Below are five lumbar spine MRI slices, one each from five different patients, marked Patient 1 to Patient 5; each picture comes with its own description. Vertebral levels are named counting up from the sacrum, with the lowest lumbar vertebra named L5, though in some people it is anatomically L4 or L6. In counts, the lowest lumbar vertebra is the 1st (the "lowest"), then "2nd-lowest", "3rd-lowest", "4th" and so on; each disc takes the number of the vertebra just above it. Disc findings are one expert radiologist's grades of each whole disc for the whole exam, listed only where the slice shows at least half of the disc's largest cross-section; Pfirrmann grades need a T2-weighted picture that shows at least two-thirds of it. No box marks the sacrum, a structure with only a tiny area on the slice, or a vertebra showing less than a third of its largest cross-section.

Patient 1 of 5:
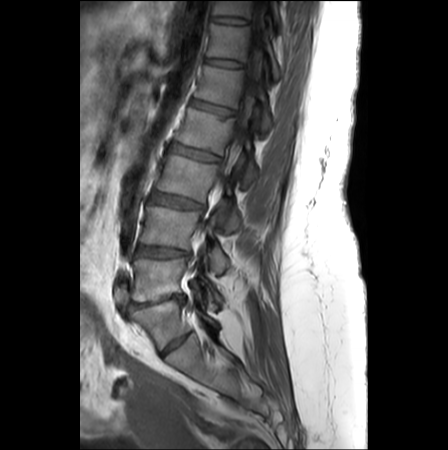

Patient sex: F, Sagittal slice index 16, MRI lumbar spine (T1-weighted), sagittal plane
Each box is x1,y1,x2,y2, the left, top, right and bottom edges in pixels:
7th disc: 212,16,247,23
6th disc: 205,58,242,68
3rd-lowest disc: 150,192,202,208
2nd-lowest disc: 136,245,188,258
lowest disc: 128,294,184,310
4th disc: 168,142,219,162
spinal canal: 215,1,263,192
lowest vertebra: 132,257,222,310
5th vertebra: 194,65,270,131
2nd-lowest vertebra: 140,206,228,273
7th vertebra: 212,1,282,31
5th disc: 191,99,234,116
3rd-lowest vertebra: 156,154,241,230
6th vertebra: 207,24,281,80
4th vertebra: 175,107,255,186

Degenerative findings by level:
• lowest disc: spondylolisthesis, disc bulging, disc narrowing, Modic type II
• 2nd-lowest disc: disc herniation, disc bulging
• 5th disc: lower-endplate change, upper-endplate change
• 3rd-lowest disc: disc bulging, Modic type II
• 4th disc: upper-endplate change, lower-endplate change
• 7th disc, 6th disc: no Modic or endplate change, herniation, narrowing, bulging or spondylolisthesis recorded

Patient 2 of 5:
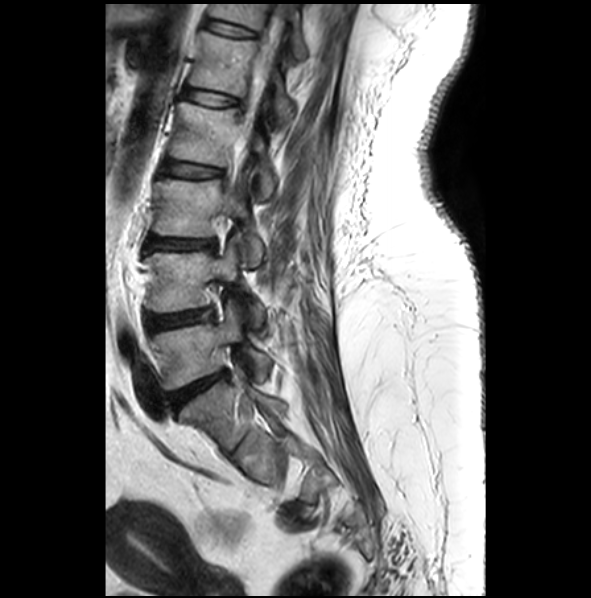 MRI lumbar spine (T2-weighted), sagittal plane | Slice 18 of 28 | Image 591x598
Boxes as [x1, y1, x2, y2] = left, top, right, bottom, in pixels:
Annotations:
* L1/L2 = [182, 87, 237, 105]
* T12 = [209, 4, 307, 59]
* L2 = [169, 102, 275, 200]
* L4/L5 = [146, 308, 214, 332]
* L4 = [145, 237, 266, 327]
* L3/L4 = [146, 237, 214, 249]
* IVD L5/S1 = [169, 371, 229, 408]
* L3 = [153, 179, 263, 265]
* L5 = [152, 302, 270, 389]
* thecal sac / spinal canal = [236, 6, 285, 158]
* IVD L2/L3 = [162, 160, 221, 178]
* L1 vertebra = [189, 31, 295, 124]
* IVD T12/L1 = [206, 19, 254, 36]

Degenerative findings by level:
- L1/L2: Pfirrmann grade 2
- T12/L1: Pfirrmann grade 2
- L2/L3: Pfirrmann grade 2
- L3/L4: Pfirrmann grade 3, lower-endplate change, disc bulging, disc narrowing, upper-endplate change, Modic type II
- L5/S1: upper-endplate change, disc bulging, lower-endplate change
- L4/L5: Pfirrmann grade 3, disc bulging

Patient 3 of 5:
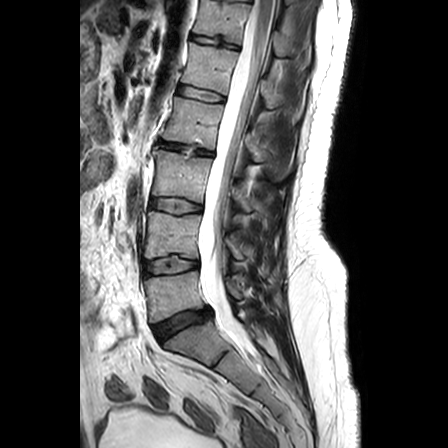

Lumbar spine MR, T2-weighted, sagittal, 448x448 px

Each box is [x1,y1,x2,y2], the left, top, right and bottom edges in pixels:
Structures:
• 3rd-lowest vertebra at [152,148,248,211]
• 2nd-lowest disc at [144,256,198,274]
• 5th vertebra at [181,42,299,121]
• spinal canal at [200,0,274,348]
• 6th vertebra at [194,0,285,56]
• lowest disc at [153,309,210,341]
• 2nd-lowest vertebra at [145,211,242,259]
• 5th disc at [177,85,224,101]
• 4th disc at [159,141,212,155]
• 3rd-lowest disc at [150,198,201,213]
• lowest vertebra at [145,270,241,322]
• 4th vertebra at [162,97,289,177]
• 6th disc at [191,34,237,48]

Radiological gradings:
- 3rd-lowest disc: Pfirrmann grade 2, upper-endplate change
- 5th disc: Pfirrmann grade 1
- 2nd-lowest disc: Pfirrmann grade 2, lower-endplate change
- lowest disc: Pfirrmann grade 3, disc herniation
- 4th disc: Pfirrmann grade 4, disc narrowing, upper-endplate change, lower-endplate change, disc bulging
- 6th disc: Pfirrmann grade 2, upper-endplate change, lower-endplate change

Patient 4 of 5:
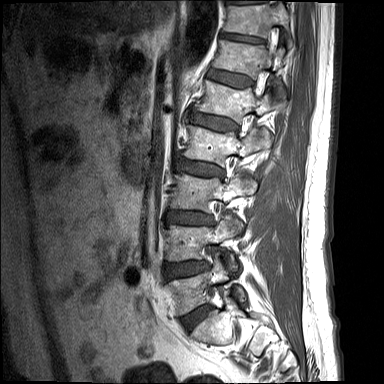 384x384 px. Sagittal T1-weighted lumbar spine MRI.
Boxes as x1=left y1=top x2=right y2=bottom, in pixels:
Intervertebral disc L4/L5 at x1=166 y1=261 x2=206 y2=278, L3 at x1=170 y1=174 x2=256 y2=212, L2 at x1=183 y1=125 x2=272 y2=165, T11 vertebra at x1=224 y1=2 x2=293 y2=47, intervertebral disc L2/L3 at x1=178 y1=160 x2=223 y2=175, intervertebral disc L5/S1 at x1=183 y1=305 x2=210 y2=329, T11/T12 at x1=220 y1=33 x2=263 y2=43, L5 vertebra at x1=169 y1=258 x2=245 y2=314, L3/L4 at x1=167 y1=211 x2=209 y2=224, L1 at x1=197 y1=80 x2=284 y2=121, L4 vertebra at x1=167 y1=215 x2=241 y2=272, L1/L2 at x1=190 y1=113 x2=236 y2=130, T12/L1 at x1=209 y1=69 x2=251 y2=86, T12 at x1=213 y1=40 x2=286 y2=97.

Radiological gradings:
  T11/T12: disc narrowing, upper-endplate change, lower-endplate change
  L4/L5: disc bulging
  L1/L2: lower-endplate change, upper-endplate change
  L2/L3: upper-endplate change, disc bulging, lower-endplate change
  L3/L4: upper-endplate change, lower-endplate change, disc bulging
  T12/L1: no herniation, bulging, narrowing, spondylolisthesis, endplate or Modic change recorded

Patient 5 of 5:
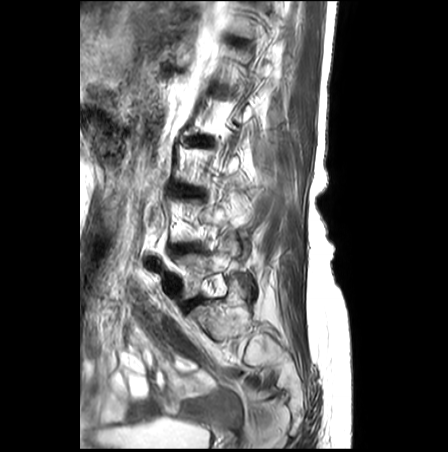 Sagittal T2-weighted lumbar spine MRI, Sex F, Slice 22 of 27

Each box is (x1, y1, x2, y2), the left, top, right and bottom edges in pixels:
L4/L5: (171, 244, 199, 253) | L5/S1: (184, 298, 201, 310) | L3/L4: (180, 187, 201, 195) | L5: (176, 235, 239, 299) | intervertebral disc L2/L3: (191, 137, 210, 144)